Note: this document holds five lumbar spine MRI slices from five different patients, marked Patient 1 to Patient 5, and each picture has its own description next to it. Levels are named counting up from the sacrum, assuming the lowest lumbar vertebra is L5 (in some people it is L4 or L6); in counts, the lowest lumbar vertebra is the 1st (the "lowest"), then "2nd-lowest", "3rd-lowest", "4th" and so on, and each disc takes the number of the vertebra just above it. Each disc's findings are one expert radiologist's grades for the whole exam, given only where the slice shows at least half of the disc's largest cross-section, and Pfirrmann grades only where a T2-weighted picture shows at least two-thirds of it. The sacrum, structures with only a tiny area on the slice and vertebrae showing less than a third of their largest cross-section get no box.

Patient 1 of 5:
MRI lumbar spine (T1-weighted), sagittal plane | Slice 8/15 | 320x320 px

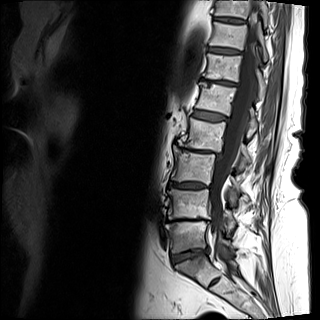

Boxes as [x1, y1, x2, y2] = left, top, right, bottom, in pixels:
L5 vertebra at [166, 221, 232, 252], spinal canal at [210, 0, 259, 276], L4 vertebra at [168, 189, 235, 228], T10 at [214, 0, 269, 24], IVD L2/L3 at [182, 148, 211, 152], T11 vertebra at [209, 22, 268, 61], L2 at [178, 117, 250, 168], L4/L5 at [169, 218, 204, 220], T12/L1 at [201, 78, 237, 85], L1/L2 at [193, 110, 227, 121], T12 vertebra at [203, 53, 265, 97], L3 vertebra at [171, 145, 240, 191], L5/S1 at [171, 248, 208, 264], L1 vertebra at [195, 82, 257, 129], IVD T10/T11 at [213, 17, 245, 23], L3/L4 at [169, 182, 210, 188], IVD T11/T12 at [208, 47, 242, 54].

Expert MSK radiologist gradings (per disc):
  L1/L2: lower-endplate change, upper-endplate change, disc bulging
  L5/S1: upper-endplate change, disc narrowing, Modic type II, lower-endplate change, disc bulging
  L4/L5: disc bulging, disc narrowing, lower-endplate change, upper-endplate change, Modic type II
  L3/L4: lower-endplate change, disc bulging, upper-endplate change
  T12/L1: disc narrowing, Modic type II, disc bulging, upper-endplate change, lower-endplate change
  L2/L3: spondylolisthesis, upper-endplate change, disc bulging, disc narrowing, Modic type II, lower-endplate change
  T10/T11, T11/T12: no herniation, bulging, narrowing, spondylolisthesis, endplate or Modic change recorded

Patient 2 of 5:
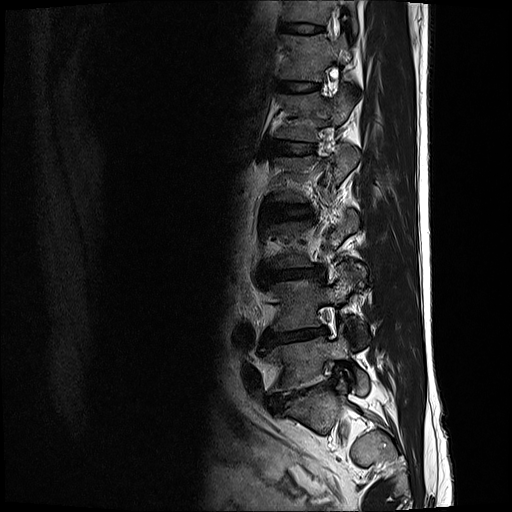
Sagittal slice index 2 | T2-weighted sagittal MRI of the lumbar spine | 512x512 px

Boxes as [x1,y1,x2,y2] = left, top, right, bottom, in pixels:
T11/T12: [278,23,325,34]
L1: [276,86,353,141]
L5: [265,325,368,395]
L2/L3: [269,204,310,221]
L5/S1: [268,384,319,410]
disc L1/L2: [267,140,315,154]
disc L4/L5: [265,327,328,344]
T12: [279,34,351,81]
T11 vertebra: [282,0,358,34]
L4: [270,267,364,339]
T12/L1: [277,79,318,92]
L3/L4: [261,268,313,280]

Radiological gradings:
• T12/L1: Pfirrmann grade 2
• L4/L5: Pfirrmann grade 5, Modic type II, disc narrowing, disc bulging, lower-endplate change
• L3/L4: disc narrowing, disc bulging
• L1/L2: Pfirrmann grade 2
• T11/T12: Pfirrmann grade 2
• L2/L3: no Modic or endplate change, herniation, narrowing, bulging or spondylolisthesis recorded

Patient 3 of 5:
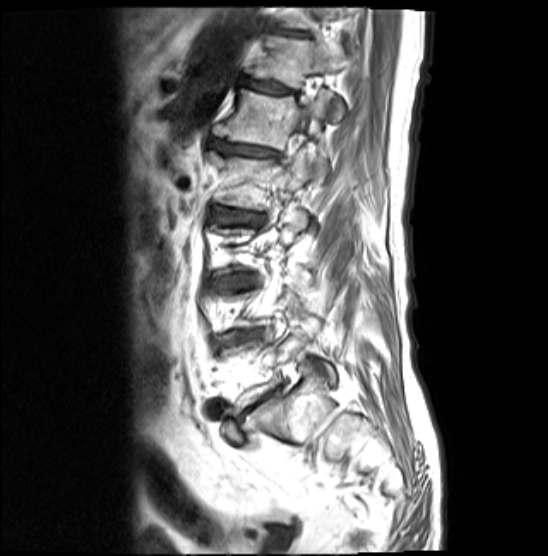 548x556 px | Lumbar spine MR, T1-weighted, sagittal | Slice 14 of 19
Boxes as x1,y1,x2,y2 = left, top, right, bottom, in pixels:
{"5th vertebra": "214,89,328,179", "4th vertebra": "209,150,313,209", "spinal canal": "296,100,313,134", "3rd-lowest disc": "233,275,256,288", "4th disc": "212,209,263,224", "6th disc": "242,79,299,94", "6th vertebra": "245,40,345,120", "5th disc": "212,141,280,158", "7th disc": "276,30,307,37"}

Degenerative findings by level:
  6th disc: lower-endplate change, upper-endplate change, disc bulging, disc narrowing, Modic type II
  5th disc: upper-endplate change, lower-endplate change, disc bulging, disc narrowing, Modic type II
  4th disc: disc narrowing, Modic type II, disc bulging, upper-endplate change, lower-endplate change

Patient 4 of 5:
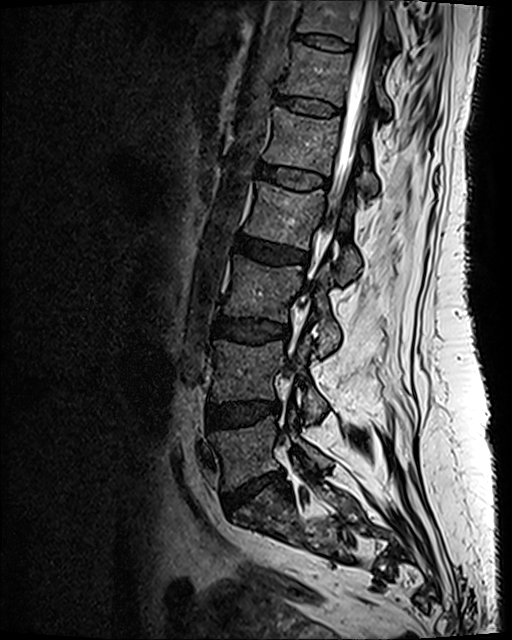

MRI lumbar spine (T2 SPACE (3D)), sagittal plane | Field of view 240x300 mm
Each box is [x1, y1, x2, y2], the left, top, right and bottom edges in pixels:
Annotations:
• L1 (5th vertebra) at [264, 107, 378, 193]
• L4 (2nd-lowest vertebra) at [211, 338, 326, 421]
• T12/L1 (6th disc) at [275, 95, 340, 116]
• L3 (3rd-lowest vertebra) at [225, 255, 340, 354]
• L5 (lowest vertebra) at [210, 414, 331, 489]
• T12 (6th vertebra) at [280, 43, 391, 115]
• thecal sac / spinal canal at [323, 0, 381, 241]
• L2/L3 (4th disc) at [238, 235, 308, 264]
• L3/L4 (3rd-lowest disc) at [217, 319, 287, 342]
• intervertebral disc L5/S1 (lowest disc) at [224, 471, 282, 514]
• intervertebral disc T11/T12 (7th disc) at [292, 33, 352, 52]
• L1/L2 (5th disc) at [258, 165, 328, 189]
• L4/L5 (2nd-lowest disc) at [207, 401, 280, 427]
• L2 (4th vertebra) at [245, 181, 361, 281]
• T11 (7th vertebra) at [297, 0, 401, 54]

Expert MSK radiologist gradings (per disc):
- L3/L4 (3rd-lowest disc): Pfirrmann grade 3
- T12/L1 (6th disc): Pfirrmann grade 2
- L4/L5 (2nd-lowest disc): Pfirrmann grade 3, disc bulging
- L2/L3 (4th disc): Pfirrmann grade 3, disc bulging
- L5/S1 (lowest disc): disc narrowing, upper-endplate change, lower-endplate change, disc herniation
- T11/T12 (7th disc): Pfirrmann grade 2
- L1/L2 (5th disc): Pfirrmann grade 2

Patient 5 of 5:
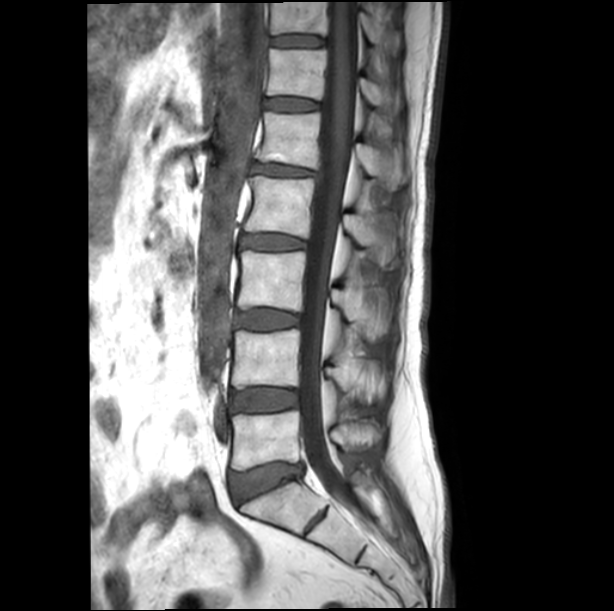 Sagittal T1-weighted lumbar spine MRI; Field of view 310x308 mm
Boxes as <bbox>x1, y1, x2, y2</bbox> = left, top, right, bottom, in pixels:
Structures:
* intervertebral disc L3/L4: <bbox>235, 309, 300, 330</bbox>
* L4: <bbox>232, 329, 378, 398</bbox>
* spinal canal: <bbox>299, 2, 356, 497</bbox>
* T11/T12: <bbox>270, 35, 326, 47</bbox>
* intervertebral disc L2/L3: <bbox>240, 234, 307, 250</bbox>
* L2 vertebra: <bbox>244, 176, 396, 263</bbox>
* intervertebral disc L4/L5: <bbox>231, 387, 297, 412</bbox>
* L5/S1: <bbox>231, 464, 304, 502</bbox>
* T11 vertebra: <bbox>270, 2, 398, 50</bbox>
* L5 vertebra: <bbox>231, 410, 375, 470</bbox>
* L1 vertebra: <bbox>255, 111, 407, 189</bbox>
* T12/L1: <bbox>264, 97, 321, 110</bbox>
* L3 vertebra: <bbox>238, 251, 387, 337</bbox>
* T12: <bbox>267, 49, 399, 111</bbox>
* L1/L2: <bbox>251, 163, 319, 176</bbox>

Degenerative findings by level:
• L1/L2: disc narrowing, disc bulging
• L5/S1: disc bulging
• L4/L5, T12/L1, L2/L3, L3/L4, T11/T12: no Modic or endplate change, herniation, narrowing, bulging or spondylolisthesis recorded